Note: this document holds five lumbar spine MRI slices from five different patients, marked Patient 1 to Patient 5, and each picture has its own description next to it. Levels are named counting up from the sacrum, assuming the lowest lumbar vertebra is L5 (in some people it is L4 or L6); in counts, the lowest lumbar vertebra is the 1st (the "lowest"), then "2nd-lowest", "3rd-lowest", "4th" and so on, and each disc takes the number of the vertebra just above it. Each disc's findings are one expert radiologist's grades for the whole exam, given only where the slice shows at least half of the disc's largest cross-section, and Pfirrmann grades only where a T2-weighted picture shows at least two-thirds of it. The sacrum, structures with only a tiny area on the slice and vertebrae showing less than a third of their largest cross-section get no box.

Patient 1 of 5:
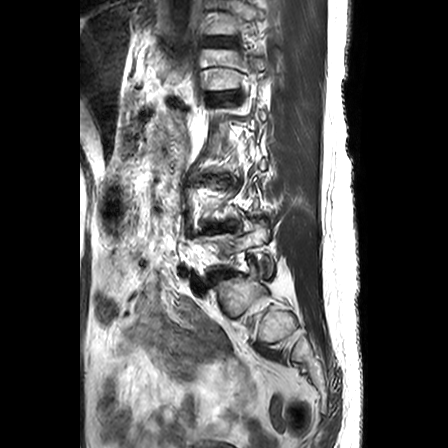

Field of view 280x280 mm, slice spacing 3.3 mm. Sagittal slice index 19. Sagittal T2-weighted lumbar spine MRI.

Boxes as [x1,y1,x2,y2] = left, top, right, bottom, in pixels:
L1/L2: [207,92,232,98] | intervertebral disc T12/L1: [204,36,236,46] | L4/L5: [210,223,237,231] | L1 vertebra: [202,49,267,89] | intervertebral disc L5/S1: [211,272,229,280] | L5 vertebra: [203,223,273,277] | T12: [206,0,265,34]

Degenerative findings by level:
  T12/L1: no herniation, bulging, narrowing, spondylolisthesis, endplate or Modic change recorded

Patient 2 of 5:
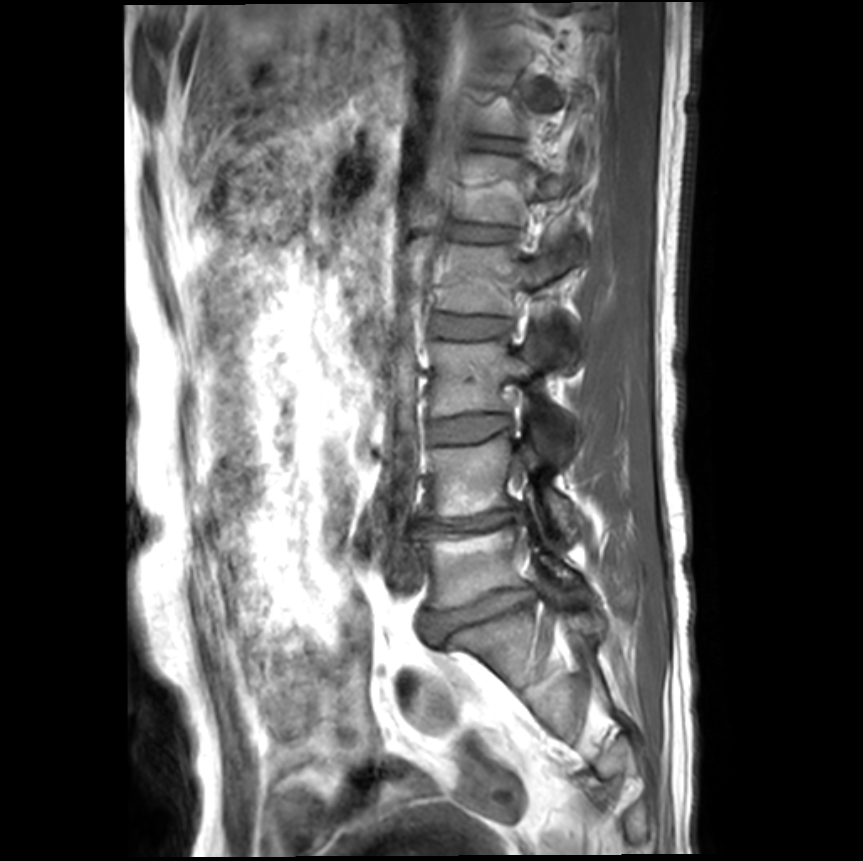 Slice 8/21 | Sagittal T1-weighted lumbar spine MRI

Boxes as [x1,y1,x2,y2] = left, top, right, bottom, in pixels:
Disc T12/L1 at [489,141,511,150], L3 vertebra at [430,330,550,415], L4/L5 at [415,507,521,534], L3/L4 at [427,415,510,442], disc L5/S1 at [420,590,531,646], L2 vertebra at [437,241,578,314], L2/L3 at [433,315,510,337], disc L1/L2 at [452,225,513,240], L5 vertebra at [412,525,578,608], L4 vertebra at [422,430,578,536].

Degenerative findings by level:
- L4/L5: disc narrowing, upper-endplate change, disc bulging, lower-endplate change, Modic type II
- L5/S1: upper-endplate change, spondylolisthesis, disc narrowing, disc bulging, lower-endplate change
- L1/L2, L3/L4, L2/L3: no herniation, bulging, narrowing, spondylolisthesis, endplate or Modic change recorded

Patient 3 of 5:
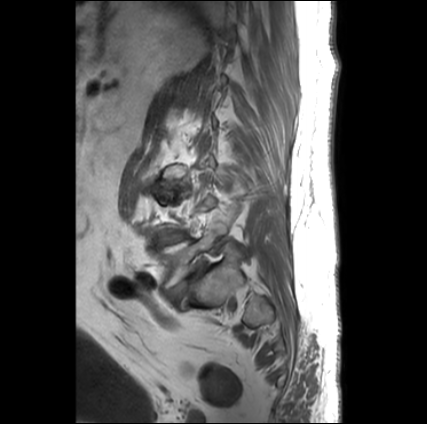 Sex M | Sagittal T1-weighted lumbar spine MRI | Field of view 284x281 mm, slice spacing 3.3 mm | 427x424 px
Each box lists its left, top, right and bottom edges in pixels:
lowest disc: left=166, top=259, right=206, bottom=305
2nd-lowest disc: left=158, top=231, right=188, bottom=244
lowest vertebra: left=156, top=226, right=226, bottom=290

Per-level radiological findings:
- lowest disc: lower-endplate change, Modic type II, disc bulging, disc narrowing, spondylolisthesis, upper-endplate change

Patient 4 of 5:
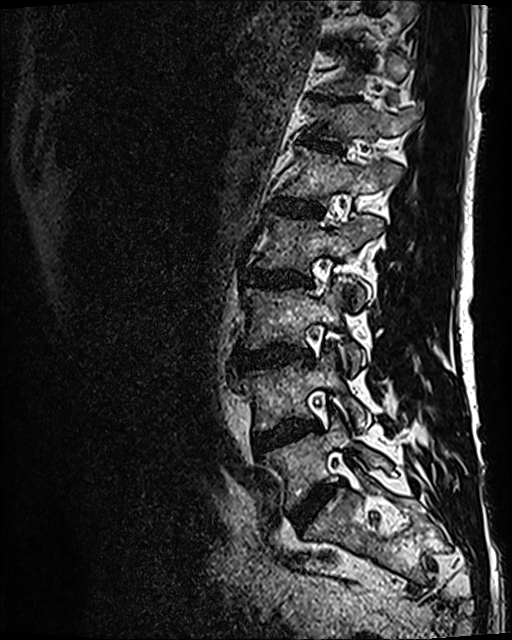
Slice 43 of 120, Sex M, T2 SPACE (3D) sagittal MRI of the lumbar spine
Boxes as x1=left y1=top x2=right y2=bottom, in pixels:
L3 vertebra: x1=241 y1=281 x2=364 y2=373 | T12: x1=306 y1=103 x2=419 y2=144 | L3/L4: x1=233 y1=346 x2=312 y2=370 | T12/L1: x1=299 y1=132 x2=340 y2=153 | L5 vertebra: x1=262 y1=418 x2=385 y2=509 | L4 vertebra: x1=232 y1=348 x2=370 y2=430 | L2: x1=257 y1=213 x2=382 y2=309 | IVD L4/L5: x1=253 y1=421 x2=320 y2=451 | IVD L5/S1: x1=290 y1=484 x2=336 y2=528 | IVD T11/T12: x1=316 y1=96 x2=344 y2=102 | L1: x1=281 y1=147 x2=400 y2=204 | L2/L3: x1=248 y1=269 x2=311 y2=290 | L1/L2: x1=271 y1=196 x2=322 y2=217

Radiological gradings:
• L3/L4: Pfirrmann grade 4, Modic type II, disc narrowing, disc bulging
• L2/L3: Pfirrmann grade 3, disc bulging, Modic type II
• L4/L5: Pfirrmann grade 3, disc bulging, Modic type II
• L5/S1: Pfirrmann grade 4, disc bulging, disc narrowing
• L1/L2: no Modic or endplate change, herniation, narrowing, bulging or spondylolisthesis recorded

Patient 5 of 5:
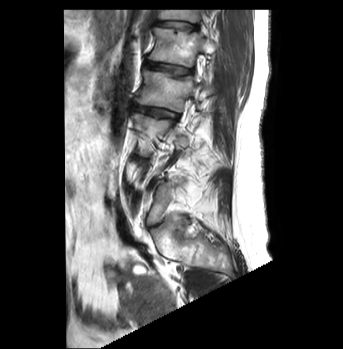
Sagittal slice index 12; Sagittal T2-weighted lumbar spine MRI

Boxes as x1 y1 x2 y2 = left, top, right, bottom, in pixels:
6th vertebra: 158 10 201 22.
4th vertebra: 136 70 202 112.
5th vertebra: 148 27 217 67.
6th disc: 157 21 197 30.
4th disc: 134 105 178 121.
Lowest vertebra: 147 182 170 224.
5th disc: 144 60 191 75.

Radiological gradings:
• 6th disc: Pfirrmann grade 1, upper-endplate change
• 5th disc: Pfirrmann grade 3, upper-endplate change
• 4th disc: Pfirrmann grade 4, Modic type II, disc bulging, disc narrowing, lower-endplate change